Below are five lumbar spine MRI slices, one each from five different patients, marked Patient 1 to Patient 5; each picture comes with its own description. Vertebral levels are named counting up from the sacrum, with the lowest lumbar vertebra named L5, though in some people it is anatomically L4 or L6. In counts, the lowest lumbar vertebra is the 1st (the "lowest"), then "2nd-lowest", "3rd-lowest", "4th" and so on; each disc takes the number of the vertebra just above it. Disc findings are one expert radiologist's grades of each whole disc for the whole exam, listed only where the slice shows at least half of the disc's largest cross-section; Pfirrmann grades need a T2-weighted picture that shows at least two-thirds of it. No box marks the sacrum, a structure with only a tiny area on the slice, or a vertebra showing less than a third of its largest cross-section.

Patient 1 of 5:
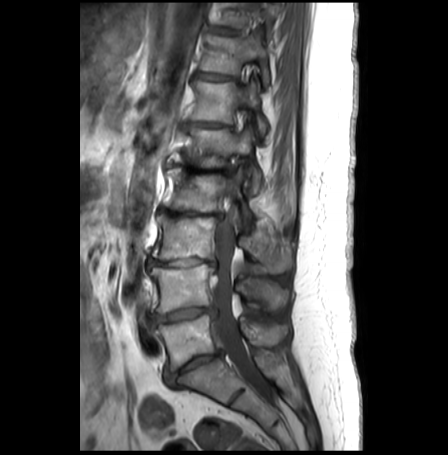

Slice 17/30, Sex F, Sagittal T1-weighted lumbar spine MRI

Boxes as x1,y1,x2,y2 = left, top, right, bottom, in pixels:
T11/T12: 197,73,233,80
T10/T11: 211,26,237,33
L2 vertebra: 163,167,292,224
L1/L2: 165,163,231,173
L5 vertebra: 155,313,286,369
L4/L5: 148,305,215,324
IVD T12/L1: 189,120,231,127
thecal sac / spinal canal: 211,193,272,398
L5/S1: 165,350,222,386
L3: 151,213,291,271
IVD L3/L4: 148,256,215,266
T12 vertebra: 191,81,267,134
T11 vertebra: 200,32,270,85
IVD L2/L3: 158,206,222,217
T10: 214,3,279,36
L1 vertebra: 169,128,261,192
L4 vertebra: 149,263,287,312

Degenerative findings by level:
• L3/L4: Modic type II, disc bulging, lower-endplate change, upper-endplate change, disc narrowing
• T12/L1: disc bulging, Modic type II, upper-endplate change, lower-endplate change, disc narrowing
• L1/L2: lower-endplate change, upper-endplate change, Modic type II, disc bulging, disc narrowing
• L5/S1: disc narrowing, disc bulging, Modic type II, lower-endplate change, upper-endplate change
• L2/L3: upper-endplate change, disc bulging, disc narrowing, Modic type II, lower-endplate change
• T11/T12: disc bulging
• L4/L5: Modic type II, disc bulging, upper-endplate change, lower-endplate change, disc herniation, disc narrowing
• T10/T11: no herniation, bulging, narrowing, spondylolisthesis, endplate or Modic change recorded

Patient 2 of 5:
Lumbar spine MR, T2-weighted, sagittal, Slice 10 of 15, Patient sex: M, SIEMENS Aera (1.5T), 384x384 px 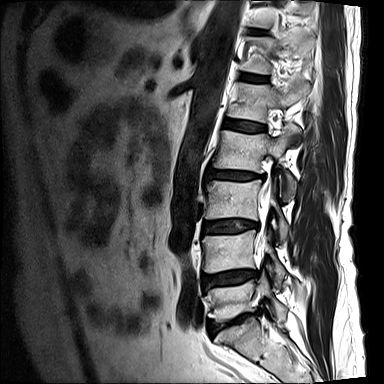

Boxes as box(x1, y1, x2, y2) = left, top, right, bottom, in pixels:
6th disc: box(240, 73, 268, 81)
2nd-lowest disc: box(202, 270, 257, 288)
3rd-lowest vertebra: box(205, 180, 289, 242)
lowest vertebra: box(206, 271, 287, 321)
spinal canal: box(257, 183, 270, 259)
2nd-lowest vertebra: box(202, 230, 285, 287)
5th disc: box(225, 120, 265, 132)
5th vertebra: box(228, 77, 310, 122)
4th disc: box(206, 171, 262, 180)
6th vertebra: box(240, 34, 312, 74)
4th vertebra: box(213, 124, 301, 201)
3rd-lowest disc: box(203, 220, 258, 233)
lowest disc: box(208, 312, 257, 334)

Per-level radiological findings:
- 2nd-lowest disc: Pfirrmann grade 4, upper-endplate change, Modic type II, lower-endplate change, disc narrowing, disc bulging
- 4th disc: Pfirrmann grade 4, upper-endplate change, disc narrowing, Modic type II, lower-endplate change, disc bulging
- lowest disc: disc bulging, lower-endplate change, upper-endplate change, disc narrowing, Modic type II
- 3rd-lowest disc: Pfirrmann grade 4, upper-endplate change, lower-endplate change, disc bulging, Modic type II
- 5th disc: Pfirrmann grade 3

Patient 3 of 5:
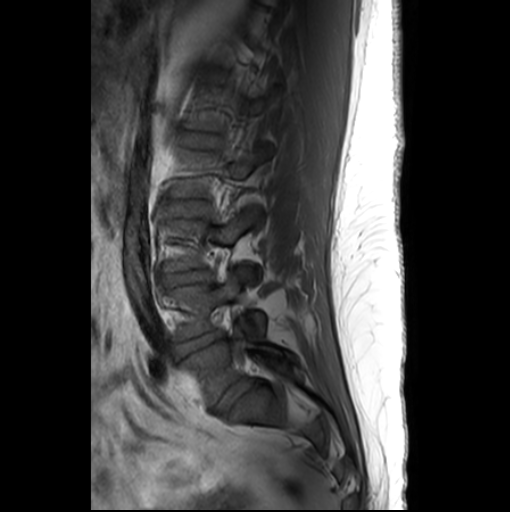

Lumbar spine MR, T1-weighted, sagittal. Slice 8/26.

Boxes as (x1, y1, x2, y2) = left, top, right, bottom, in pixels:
Segmented structures:
* L4/L5 (2nd-lowest disc) = (175, 331, 222, 356)
* L1/L2 (5th disc) = (181, 132, 215, 147)
* L5 (lowest vertebra) = (180, 330, 290, 405)
* disc L5/S1 (lowest disc) = (216, 380, 253, 411)
* disc L3/L4 (3rd-lowest disc) = (164, 270, 209, 284)
* L2/L3 (4th disc) = (171, 200, 207, 215)
* L4 (2nd-lowest vertebra) = (171, 270, 265, 339)

Radiological gradings:
- L3/L4 (3rd-lowest disc): disc narrowing, disc bulging
- L4/L5 (2nd-lowest disc): disc narrowing, disc bulging
- L1/L2 (5th disc): no herniation, bulging, narrowing, spondylolisthesis, endplate or Modic change recorded

Patient 4 of 5:
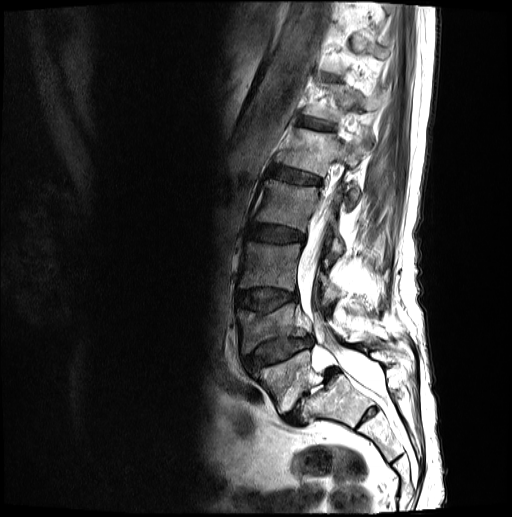

Sagittal T2-weighted lumbar spine MRI.
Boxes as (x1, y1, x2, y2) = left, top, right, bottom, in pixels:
Intervertebral disc L5/S1: (283, 368, 338, 425).
Intervertebral disc L2/L3: (247, 225, 304, 242).
T12: (302, 83, 388, 122).
L1 vertebra: (278, 128, 369, 207).
L1/L2: (271, 167, 319, 184).
L4 vertebra: (237, 303, 349, 353).
L3 vertebra: (239, 242, 340, 305).
L5 vertebra: (248, 344, 412, 413).
Intervertebral disc L3/L4: (236, 288, 296, 310).
Intervertebral disc T12/L1: (298, 118, 334, 131).
Spinal canal: (297, 180, 382, 393).
Intervertebral disc L4/L5: (241, 337, 311, 368).
L2: (256, 180, 343, 254).

Radiological gradings:
  L1/L2: Pfirrmann grade 3
  L4/L5: Pfirrmann grade 3, spondylolisthesis, disc narrowing, disc herniation, lower-endplate change, upper-endplate change
  L3/L4: Pfirrmann grade 3, lower-endplate change, upper-endplate change, disc bulging
  L5/S1: Pfirrmann grade 5, disc narrowing, disc herniation, Modic type II, spondylolisthesis
  L2/L3: Pfirrmann grade 3, disc bulging
  T12/L1: no herniation, bulging, narrowing, spondylolisthesis, endplate or Modic change recorded

Patient 5 of 5:
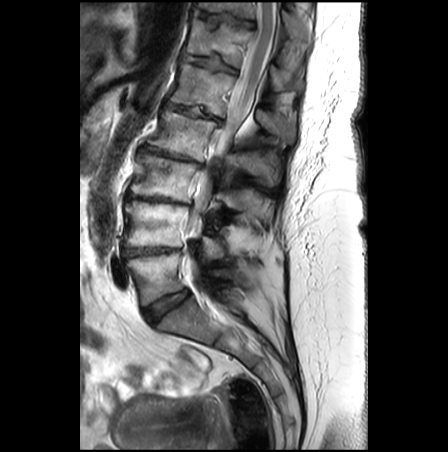 Lumbar spine MR, T2-weighted, sagittal | Field of view 280x283 mm | Sex F | 448x452 px
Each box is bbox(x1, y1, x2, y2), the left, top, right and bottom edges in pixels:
3rd-lowest disc at bbox(126, 194, 185, 204).
4th disc at bbox(139, 146, 202, 164).
2nd-lowest disc at bbox(122, 247, 179, 257).
2nd-lowest vertebra at bbox(123, 203, 222, 258).
Lowest disc at bbox(144, 289, 188, 324).
Lowest vertebra at bbox(126, 252, 246, 305).
Spinal canal at bbox(185, 1, 278, 293).
7th vertebra at bbox(198, 2, 310, 49).
7th disc at bbox(193, 9, 255, 29).
4th vertebra at bbox(147, 107, 280, 185).
3rd-lowest vertebra at bbox(130, 151, 258, 212).
6th vertebra at bbox(184, 17, 302, 90).
5th disc at bbox(166, 100, 222, 124).
5th vertebra at bbox(170, 64, 294, 144).
6th disc at bbox(182, 53, 237, 72).

Per-level radiological findings:
- 3rd-lowest disc: upper-endplate change, disc bulging, Modic type II, lower-endplate change, disc narrowing
- lowest disc: Pfirrmann grade 2
- 2nd-lowest disc: disc bulging, Modic type II, upper-endplate change, lower-endplate change, disc narrowing
- 6th disc: Pfirrmann grade 3, Modic type II, lower-endplate change, upper-endplate change
- 5th disc: Pfirrmann grade 5, spondylolisthesis, Modic type II, disc bulging, upper-endplate change, disc narrowing, lower-endplate change
- 7th disc: Pfirrmann grade 3, lower-endplate change, upper-endplate change